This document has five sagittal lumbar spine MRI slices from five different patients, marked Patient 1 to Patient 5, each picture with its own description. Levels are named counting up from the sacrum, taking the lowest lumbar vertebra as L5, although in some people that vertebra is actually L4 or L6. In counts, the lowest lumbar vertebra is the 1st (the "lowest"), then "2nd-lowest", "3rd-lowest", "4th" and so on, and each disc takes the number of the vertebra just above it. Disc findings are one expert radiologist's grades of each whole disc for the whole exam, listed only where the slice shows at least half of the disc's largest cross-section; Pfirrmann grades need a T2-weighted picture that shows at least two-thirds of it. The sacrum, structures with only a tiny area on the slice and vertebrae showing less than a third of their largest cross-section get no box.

Patient 1 of 5:
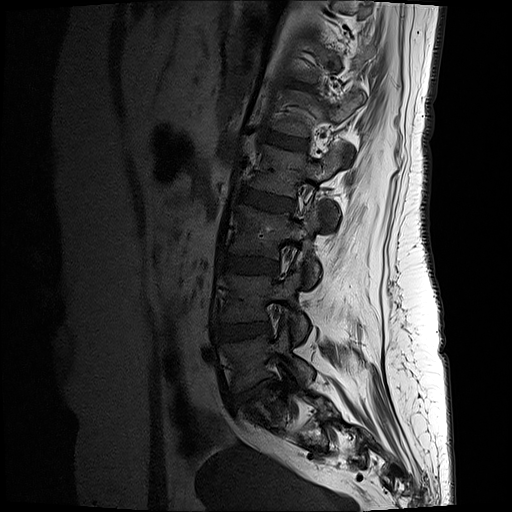 Field of view 300x300 mm, slice spacing 3.3 mm; Sagittal T1-weighted lumbar spine MRI; Patient sex: F; Sagittal slice index 13

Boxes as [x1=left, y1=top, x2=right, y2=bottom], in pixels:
L4/L5 (2nd-lowest disc) = [x1=220, y1=322, x2=269, y2=339].
Intervertebral disc L2/L3 (4th disc) = [x1=242, y1=189, x2=292, y2=210].
L5 (lowest vertebra) = [x1=223, y1=327, x2=314, y2=390].
L2 (4th vertebra) = [x1=252, y1=146, x2=342, y2=195].
L5/S1 (lowest disc) = [x1=243, y1=380, x2=274, y2=396].
L3/L4 (3rd-lowest disc) = [x1=224, y1=254, x2=277, y2=273].
L3 (3rd-lowest vertebra) = [x1=231, y1=205, x2=320, y2=282].
Intervertebral disc L1/L2 (5th disc) = [x1=262, y1=131, x2=307, y2=150].
L4 (2nd-lowest vertebra) = [x1=223, y1=269, x2=307, y2=340].

Expert MSK radiologist gradings (per disc):
• L2/L3 (4th disc): disc bulging
• L4/L5 (2nd-lowest disc): disc bulging
• L3/L4 (3rd-lowest disc), L1/L2 (5th disc): no spondylolisthesis, narrowing, bulging, herniation, Modic or endplate change recorded

Patient 2 of 5:
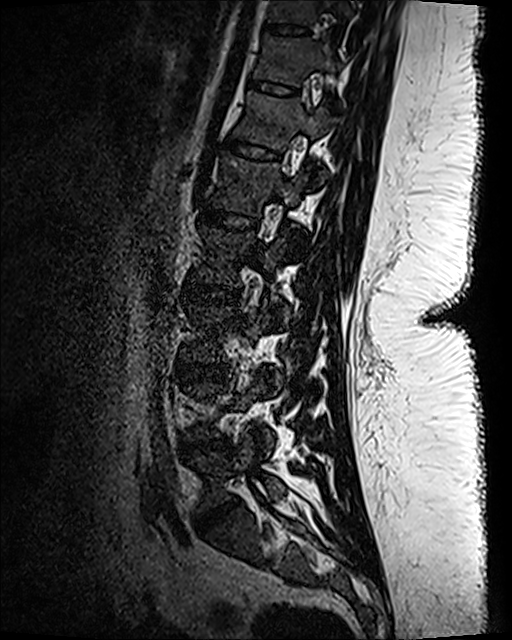 Lumbar spine MR, T2 SPACE (3D), sagittal; 512x640 px

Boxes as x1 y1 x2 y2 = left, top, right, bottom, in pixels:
{"intervertebral disc L1/L2": "197 210 259 230", "T11": "255 35 336 84", "intervertebral disc L2/L3": "183 282 240 305", "intervertebral disc L3/L4": "177 364 226 381", "L3 vertebra": "181 305 282 387", "intervertebral disc T12/L1": "221 136 282 162", "T10/T11": "266 24 308 35", "L5/S1": "196 499 239 531", "T11/T12": "247 77 301 95", "L5": "194 427 284 510", "T10 vertebra": "269 0 351 26", "L1 vertebra": "210 151 309 215", "L2 vertebra": "193 225 290 322", "T12 vertebra": "235 92 330 180", "L4/L5": "182 438 228 455"}

Per-level radiological findings:
- T11/T12: Pfirrmann grade 1
- L2/L3: Pfirrmann grade 1
- L1/L2: Pfirrmann grade 1
- T12/L1: Pfirrmann grade 1
- T10/T11: no spondylolisthesis, narrowing, bulging, herniation, Modic or endplate change recorded

Patient 3 of 5:
512x640 px, Lumbar spine MR, T2 SPACE (3D), sagittal, Slice 40 of 120, Patient sex: F
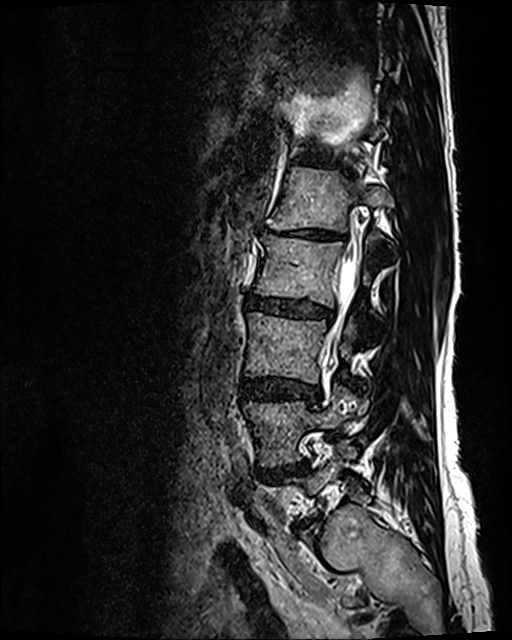 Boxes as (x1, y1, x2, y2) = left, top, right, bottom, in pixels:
thecal sac / spinal canal at (328, 265, 353, 353) | L1/L2 at (262, 225, 346, 241) | L2/L3 at (248, 295, 333, 320) | T12/L1 at (299, 154, 325, 165) | L3 at (246, 312, 357, 384) | L4 at (244, 387, 366, 466) | L3/L4 at (240, 378, 320, 403) | L1 vertebra at (275, 166, 391, 231) | L2 vertebra at (254, 235, 378, 306) | L4/L5 at (259, 465, 306, 477)

Expert MSK radiologist gradings (per disc):
• L1/L2: Pfirrmann grade 5, lower-endplate change, upper-endplate change, disc bulging, disc narrowing, Modic type II
• L3/L4: Pfirrmann grade 3, disc bulging
• L2/L3: Pfirrmann grade 3, disc narrowing, disc bulging

Patient 4 of 5:
Image 545x549. Patient sex: F. Field of view 280x282 mm. MRI lumbar spine (T1-weighted), sagittal plane.

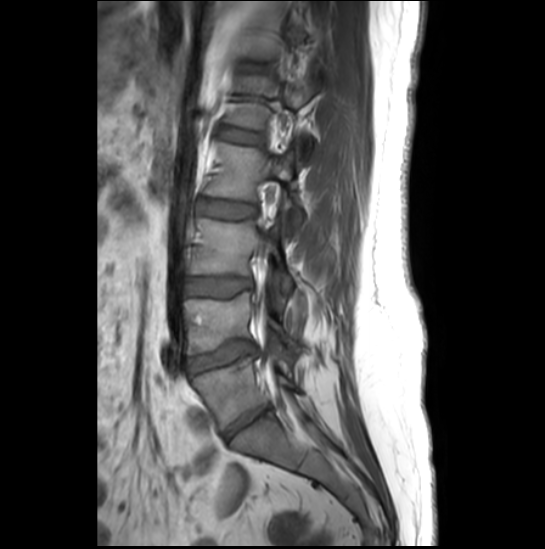

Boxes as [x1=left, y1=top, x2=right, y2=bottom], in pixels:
Lowest vertebra: [x1=192, y1=359, x2=302, y2=429].
4th vertebra: [x1=206, y1=144, x2=304, y2=231].
3rd-lowest vertebra: [x1=190, y1=217, x2=292, y2=299].
4th disc: [x1=197, y1=200, x2=256, y2=218].
5th vertebra: [x1=225, y1=77, x2=318, y2=155].
Spinal canal: [x1=263, y1=308, x2=270, y2=322].
3rd-lowest disc: [x1=185, y1=278, x2=251, y2=296].
2nd-lowest vertebra: [x1=184, y1=293, x2=302, y2=354].
Lowest disc: [x1=224, y1=406, x2=270, y2=438].
5th disc: [x1=217, y1=127, x2=263, y2=145].
2nd-lowest disc: [x1=185, y1=342, x2=257, y2=373].
6th disc: [x1=243, y1=66, x2=268, y2=71].

Expert MSK radiologist gradings (per disc):
- 2nd-lowest disc: lower-endplate change, upper-endplate change, disc narrowing, Modic type II, disc herniation
- lowest disc: disc narrowing
- 4th disc, 3rd-lowest disc, 5th disc: no herniation, bulging, narrowing, spondylolisthesis, endplate or Modic change recorded

Patient 5 of 5:
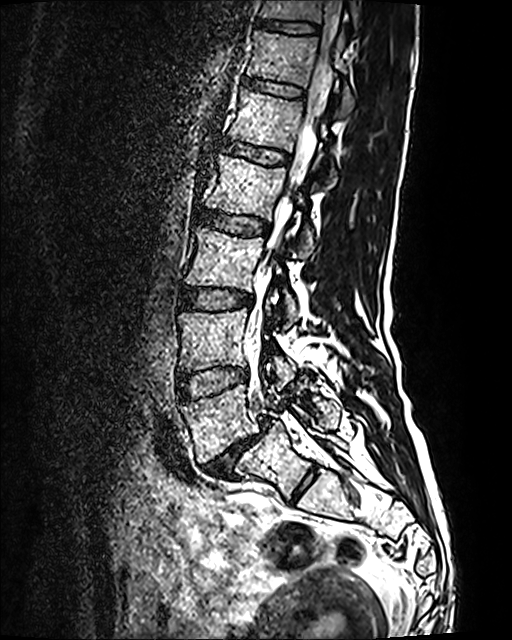
Sagittal T2 SPACE (3D) lumbar spine MRI | 512x640 px
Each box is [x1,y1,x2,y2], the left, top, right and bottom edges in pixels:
* T11 vertebra: [260,0,359,34]
* T11/T12: [257,19,317,33]
* L4/L5: [177,367,246,400]
* L2 vertebra: [206,154,313,258]
* disc L1/L2: [220,141,287,164]
* spinal canal: [246,0,342,401]
* L4 vertebra: [178,305,295,389]
* L5/S1: [204,417,270,477]
* T12 vertebra: [247,31,354,112]
* disc T12/L1: [243,79,301,98]
* disc L3/L4: [179,288,251,309]
* disc L2/L3: [196,209,268,235]
* L3: [186,226,296,326]
* L1: [228,90,336,185]
* L5: [180,381,340,462]

Expert MSK radiologist gradings (per disc):
- L2/L3: Pfirrmann grade 2
- T12/L1: Pfirrmann grade 2
- L5/S1: Pfirrmann grade 5, disc bulging, spondylolisthesis, Modic type II, disc narrowing
- L4/L5: Pfirrmann grade 2
- L3/L4: Pfirrmann grade 2
- L1/L2: Pfirrmann grade 2
- T11/T12: Pfirrmann grade 2